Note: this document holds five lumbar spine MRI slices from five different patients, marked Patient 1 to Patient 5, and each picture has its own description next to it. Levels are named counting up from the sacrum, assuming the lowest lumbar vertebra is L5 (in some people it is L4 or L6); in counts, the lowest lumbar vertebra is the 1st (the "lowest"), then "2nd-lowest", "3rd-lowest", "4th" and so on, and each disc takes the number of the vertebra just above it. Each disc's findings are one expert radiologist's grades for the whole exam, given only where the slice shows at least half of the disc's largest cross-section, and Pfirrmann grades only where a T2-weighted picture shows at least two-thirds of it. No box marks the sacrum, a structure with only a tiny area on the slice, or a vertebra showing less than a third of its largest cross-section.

Patient 1 of 5:
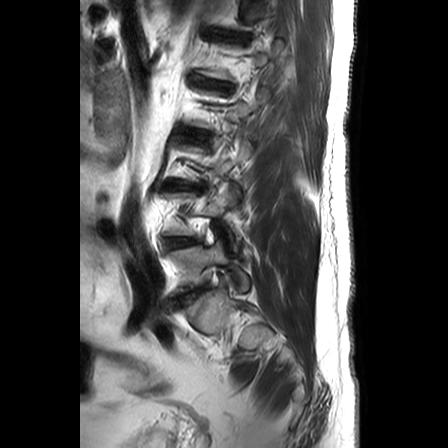 Slice 6 of 25. Patient sex: M. Lumbar spine MR, T2-weighted, sagittal. Field of view 280x280 mm, slice spacing 3.3 mm.
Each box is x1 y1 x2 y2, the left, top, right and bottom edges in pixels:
intervertebral disc L1/L2: 207 80 229 89
intervertebral disc L4/L5: 169 238 195 246
L5: 170 240 248 291

Patient 2 of 5:
SIEMENS Avanto_fit (1.5T); T2 SPACE (3D) sagittal MRI of the lumbar spine

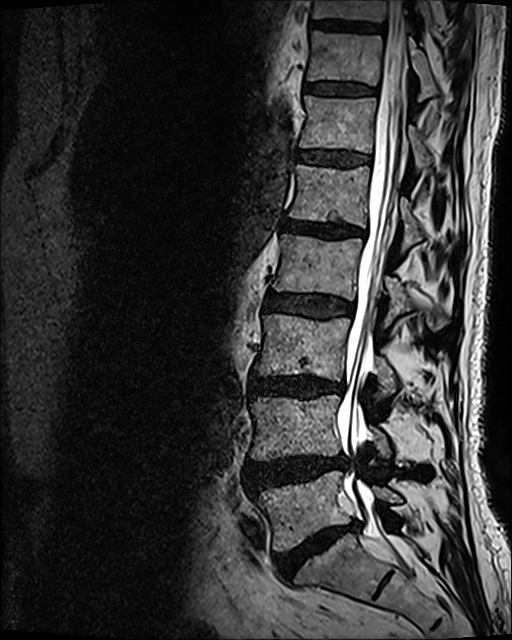 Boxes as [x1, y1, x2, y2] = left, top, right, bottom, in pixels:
L2 (4th vertebra) — [272, 233, 444, 329] | L3 (3rd-lowest vertebra) — [256, 313, 395, 399] | T10 (8th vertebra) — [312, 0, 431, 29] | spinal canal — [336, 1, 408, 540] | T11/T12 (7th disc) — [305, 84, 374, 94] | T10/T11 (8th disc) — [312, 19, 384, 34] | IVD T12/L1 (6th disc) — [298, 151, 370, 166] | IVD L1/L2 (5th disc) — [283, 219, 365, 238] | T11 (7th vertebra) — [307, 32, 436, 100] | L4/L5 (2nd-lowest disc) — [246, 454, 346, 490] | L1 (5th vertebra) — [289, 164, 421, 252] | L4 (2nd-lowest vertebra) — [251, 395, 390, 461] | IVD L2/L3 (4th disc) — [263, 291, 353, 320] | T12 (6th vertebra) — [300, 95, 428, 173] | IVD L5/S1 (lowest disc) — [274, 522, 355, 577] | IVD L3/L4 (3rd-lowest disc) — [251, 376, 345, 398] | L5 (lowest vertebra) — [254, 471, 400, 551]

Expert MSK radiologist gradings (per disc):
• T11/T12 (7th disc): Pfirrmann grade 3
• T12/L1 (6th disc): Pfirrmann grade 3
• L1/L2 (5th disc): Pfirrmann grade 4, upper-endplate change, disc narrowing, lower-endplate change, disc bulging, Modic type II
• L4/L5 (2nd-lowest disc): Pfirrmann grade 4, disc bulging, disc herniation
• L3/L4 (3rd-lowest disc): Pfirrmann grade 4, Modic type II, disc bulging, disc narrowing, lower-endplate change
• L5/S1 (lowest disc): Pfirrmann grade 5, disc narrowing, lower-endplate change, disc bulging, Modic type II
• L2/L3 (4th disc): Pfirrmann grade 3, disc bulging

Patient 3 of 5:
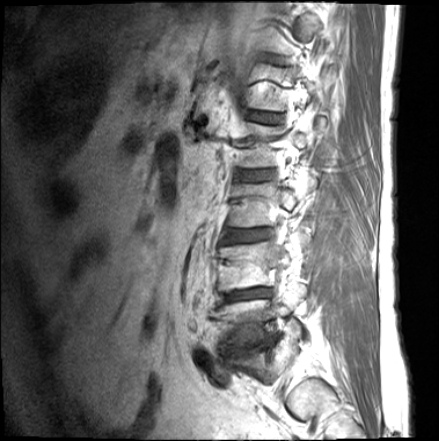
Lumbar spine MR, T1-weighted, sagittal
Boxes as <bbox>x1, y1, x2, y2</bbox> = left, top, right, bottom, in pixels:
4th disc: <bbox>239, 170, 271, 180</bbox>
lowest vertebra: <bbox>213, 284, 306, 346</bbox>
5th disc: <bbox>249, 113, 279, 123</bbox>
lowest disc: <bbox>233, 340, 269, 355</bbox>
2nd-lowest vertebra: <bbox>218, 242, 290, 291</bbox>
3rd-lowest disc: <bbox>224, 229, 268, 243</bbox>
2nd-lowest disc: <bbox>219, 287, 271, 304</bbox>
3rd-lowest vertebra: <bbox>229, 179, 316, 227</bbox>

Per-level radiological findings:
• 2nd-lowest disc: upper-endplate change, Modic type II, lower-endplate change, disc narrowing, disc bulging
• 3rd-lowest disc: disc bulging, upper-endplate change, lower-endplate change

Patient 4 of 5:
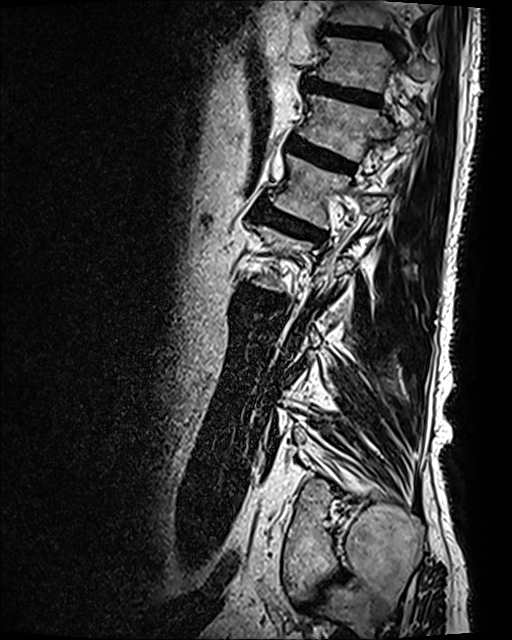

T2 SPACE (3D) sagittal MRI of the lumbar spine

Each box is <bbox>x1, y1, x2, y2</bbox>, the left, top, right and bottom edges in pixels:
L2/L3: <bbox>244, 286, 272, 296</bbox>
L1 vertebra: <bbox>270, 155, 387, 228</bbox>
T12: <bbox>299, 94, 424, 161</bbox>
T10/T11: <bbox>321, 24, 393, 41</bbox>
L1/L2: <bbox>257, 200, 325, 241</bbox>
intervertebral disc T12/L1: <bbox>288, 136, 354, 171</bbox>
T11 vertebra: <bbox>312, 38, 438, 91</bbox>
T10 vertebra: <bbox>327, 0, 397, 30</bbox>
intervertebral disc T11/T12: <bbox>303, 75, 379, 103</bbox>

Expert MSK radiologist gradings (per disc):
• T10/T11: Pfirrmann grade 3
• T11/T12: Pfirrmann grade 4, lower-endplate change, upper-endplate change, disc bulging
• L1/L2: Pfirrmann grade 4, lower-endplate change, upper-endplate change, disc bulging, Modic type II
• T12/L1: Pfirrmann grade 4, upper-endplate change, disc bulging, Modic type II, lower-endplate change

Patient 5 of 5:
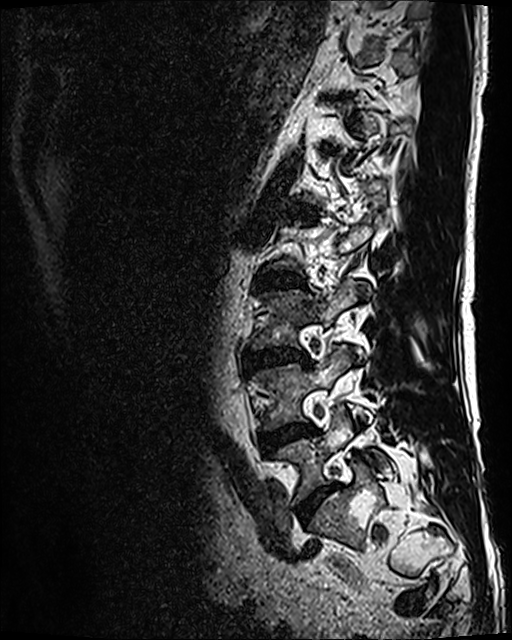 Sagittal slice index 36; Image 512x640; T2 SPACE (3D) sagittal MRI of the lumbar spine
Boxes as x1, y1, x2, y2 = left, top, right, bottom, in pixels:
Structures:
• IVD L5/S1: 297, 486, 336, 522
• L5 vertebra: 274, 408, 384, 505
• L4: 253, 345, 362, 430
• L1/L2: 291, 202, 317, 215
• L4/L5: 260, 423, 316, 451
• L3 vertebra: 252, 279, 370, 348
• IVD L2/L3: 256, 270, 303, 289
• IVD L3/L4: 243, 346, 308, 368

Radiological gradings:
  L3/L4: Pfirrmann grade 4, disc bulging, Modic type II, disc narrowing
  L4/L5: Pfirrmann grade 3, Modic type II, disc bulging